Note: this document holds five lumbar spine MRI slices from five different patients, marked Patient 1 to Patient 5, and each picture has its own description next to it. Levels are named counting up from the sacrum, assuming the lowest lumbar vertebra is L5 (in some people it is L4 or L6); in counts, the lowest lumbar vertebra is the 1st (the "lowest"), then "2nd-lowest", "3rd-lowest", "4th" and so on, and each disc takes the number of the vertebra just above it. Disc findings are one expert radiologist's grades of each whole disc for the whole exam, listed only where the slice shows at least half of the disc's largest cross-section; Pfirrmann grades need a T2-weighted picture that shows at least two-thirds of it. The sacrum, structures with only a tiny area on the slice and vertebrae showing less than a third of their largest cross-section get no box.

Patient 1 of 5:
Patient sex: F; 512x640 px; MRI lumbar spine (T2 SPACE (3D)), sagittal plane 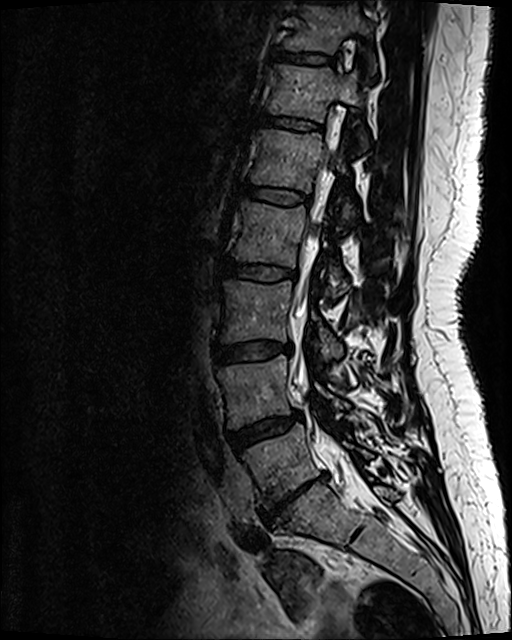

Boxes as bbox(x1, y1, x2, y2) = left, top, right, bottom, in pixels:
• 5th vertebra at bbox(252, 129, 355, 219)
• 5th disc at bbox(240, 184, 311, 205)
• lowest disc at bbox(261, 473, 327, 521)
• 7th vertebra at bbox(286, 7, 373, 65)
• thecal sac / spinal canal at bbox(291, 147, 345, 465)
• 3rd-lowest vertebra at bbox(221, 281, 342, 359)
• lowest vertebra at bbox(243, 425, 370, 506)
• 3rd-lowest disc at bbox(213, 342, 290, 363)
• 6th vertebra at bbox(269, 64, 366, 143)
• 7th disc at bbox(274, 49, 331, 63)
• 6th disc at bbox(260, 114, 321, 130)
• 2nd-lowest disc at bbox(227, 413, 299, 448)
• 4th disc at bbox(224, 259, 296, 280)
• 4th vertebra at bbox(233, 203, 346, 297)
• 2nd-lowest vertebra at bbox(219, 355, 348, 426)

Expert MSK radiologist gradings (per disc):
• 3rd-lowest disc: Pfirrmann grade 2, disc bulging
• 7th disc: Pfirrmann grade 2
• 4th disc: Pfirrmann grade 2
• lowest disc: disc herniation, Modic type III, disc bulging, disc narrowing, upper-endplate change, lower-endplate change
• 2nd-lowest disc: Pfirrmann grade 3, disc bulging
• 5th disc: Pfirrmann grade 2
• 6th disc: Pfirrmann grade 2

Patient 2 of 5:
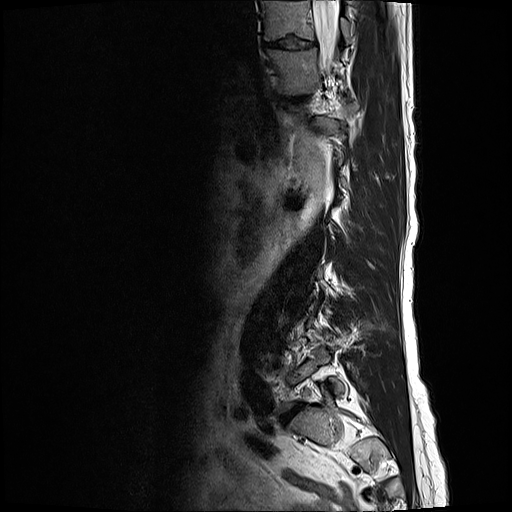
512x512 px, Lumbar spine MR, T2-weighted, sagittal
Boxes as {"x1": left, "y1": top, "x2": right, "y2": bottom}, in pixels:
T11 vertebra at {"x1": 268, "y1": 48, "x2": 344, "y2": 94}, IVD L5/S1 at {"x1": 285, "y1": 407, "x2": 300, "y2": 420}, T11/T12 at {"x1": 285, "y1": 96, "x2": 309, "y2": 102}, T10 at {"x1": 261, "y1": 1, "x2": 350, "y2": 42}, T10/T11 at {"x1": 264, "y1": 38, "x2": 315, "y2": 49}, spinal canal at {"x1": 314, "y1": 1, "x2": 340, "y2": 70}.

Radiological gradings:
- T10/T11: Pfirrmann grade 3, disc narrowing, disc bulging

Patient 3 of 5:
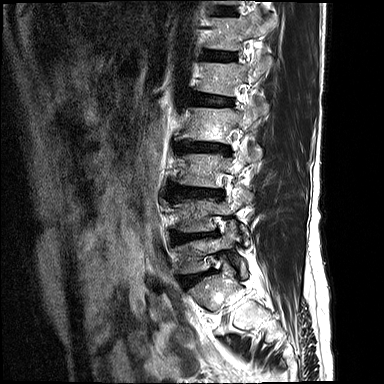 T2-weighted sagittal MRI of the lumbar spine
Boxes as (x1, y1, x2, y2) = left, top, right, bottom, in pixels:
T12/L1 (6th disc) at (204, 50, 234, 61).
L1/L2 (5th disc) at (192, 93, 232, 106).
L3 (3rd-lowest vertebra) at (179, 151, 258, 187).
L4 (2nd-lowest vertebra) at (175, 191, 252, 231).
T11/T12 (7th disc) at (217, 7, 227, 14).
IVD L4/L5 (2nd-lowest disc) at (173, 232, 217, 243).
L5 (lowest vertebra) at (174, 223, 247, 277).
IVD L5/S1 (lowest disc) at (181, 269, 213, 287).
L3/L4 (3rd-lowest disc) at (172, 186, 222, 197).
T12 (6th vertebra) at (207, 16, 278, 50).
L1 (5th vertebra) at (198, 56, 272, 96).
IVD L2/L3 (4th disc) at (174, 141, 228, 151).
L2 (4th vertebra) at (176, 103, 267, 143).

Radiological gradings:
• T12/L1 (6th disc): lower-endplate change, upper-endplate change
• L1/L2 (5th disc): Pfirrmann grade 3, disc bulging, lower-endplate change, upper-endplate change
• L2/L3 (4th disc): Pfirrmann grade 3, disc narrowing, upper-endplate change, lower-endplate change, disc bulging
• L3/L4 (3rd-lowest disc): upper-endplate change, disc bulging, lower-endplate change

Patient 4 of 5:
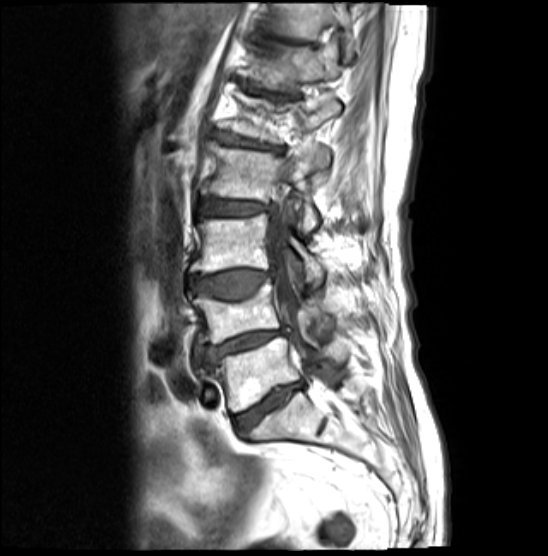 Field of view 260x264 mm, slice spacing 4.8 mm | MRI lumbar spine (T1-weighted), sagittal plane | Sex F
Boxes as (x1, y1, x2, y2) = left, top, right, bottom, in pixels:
Spinal canal at (267, 217, 330, 391).
L4/L5 at (199, 327, 289, 362).
L1/L2 at (216, 132, 285, 151).
IVD L3/L4 at (190, 270, 271, 299).
L2/L3 at (197, 199, 277, 218).
L4 vertebra at (192, 279, 328, 344).
IVD T11/T12 at (262, 35, 313, 44).
T11 vertebra at (267, 3, 355, 59).
L5 at (209, 337, 345, 412).
L2 vertebra at (200, 141, 330, 231).
L3 at (190, 213, 325, 285).
IVD T12/L1 at (254, 91, 301, 98).
IVD L5/S1 at (235, 382, 302, 436).
T12 at (238, 46, 342, 91).

Expert MSK radiologist gradings (per disc):
  L5/S1: upper-endplate change, disc bulging, disc narrowing, lower-endplate change, Modic type II
  L1/L2: Modic type II, lower-endplate change, upper-endplate change, disc bulging, disc narrowing
  L3/L4: lower-endplate change, upper-endplate change, Modic type II, disc bulging
  L2/L3: disc narrowing, upper-endplate change, lower-endplate change, Modic type II, disc bulging
  L4/L5: disc bulging, disc narrowing, upper-endplate change, lower-endplate change, Modic type II

Patient 5 of 5:
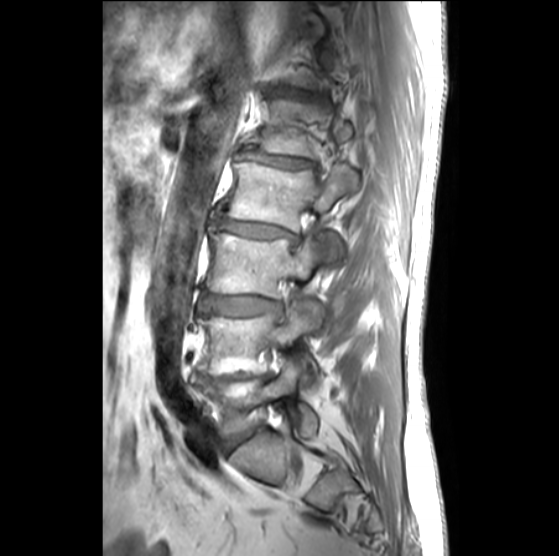 Sagittal T1-weighted lumbar spine MRI. Field of view 282x281 mm, slice spacing 3.3 mm. Patient sex: M. Image 559x556.
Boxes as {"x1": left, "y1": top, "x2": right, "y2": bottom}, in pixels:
L3 at {"x1": 207, "y1": 227, "x2": 320, "y2": 297}.
L4 vertebra at {"x1": 198, "y1": 301, "x2": 322, "y2": 387}.
L5 vertebra at {"x1": 201, "y1": 359, "x2": 317, "y2": 436}.
L5/S1 at {"x1": 224, "y1": 428, "x2": 255, "y2": 450}.
L1/L2 at {"x1": 241, "y1": 150, "x2": 315, "y2": 168}.
L2/L3 at {"x1": 217, "y1": 216, "x2": 297, "y2": 243}.
Disc L4/L5 at {"x1": 197, "y1": 374, "x2": 268, "y2": 382}.
L1 at {"x1": 250, "y1": 100, "x2": 353, "y2": 157}.
Disc L3/L4 at {"x1": 202, "y1": 293, "x2": 281, "y2": 315}.
Disc T12/L1 at {"x1": 290, "y1": 90, "x2": 318, "y2": 99}.
L2 vertebra at {"x1": 220, "y1": 161, "x2": 358, "y2": 259}.

Degenerative findings by level:
- L2/L3: disc narrowing, Modic type II, disc bulging, lower-endplate change, upper-endplate change
- L1/L2: Modic type III, disc bulging, disc narrowing, upper-endplate change, lower-endplate change
- L4/L5: upper-endplate change, disc narrowing, lower-endplate change, Modic type II
- L3/L4: disc bulging